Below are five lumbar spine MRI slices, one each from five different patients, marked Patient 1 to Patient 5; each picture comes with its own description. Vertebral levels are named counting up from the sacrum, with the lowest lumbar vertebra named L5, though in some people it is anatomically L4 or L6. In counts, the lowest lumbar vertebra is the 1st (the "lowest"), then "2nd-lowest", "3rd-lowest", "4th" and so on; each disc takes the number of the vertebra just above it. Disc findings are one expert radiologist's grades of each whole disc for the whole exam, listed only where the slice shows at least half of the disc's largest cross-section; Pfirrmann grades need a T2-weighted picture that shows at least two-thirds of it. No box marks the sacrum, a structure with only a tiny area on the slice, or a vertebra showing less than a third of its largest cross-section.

Patient 1 of 5:
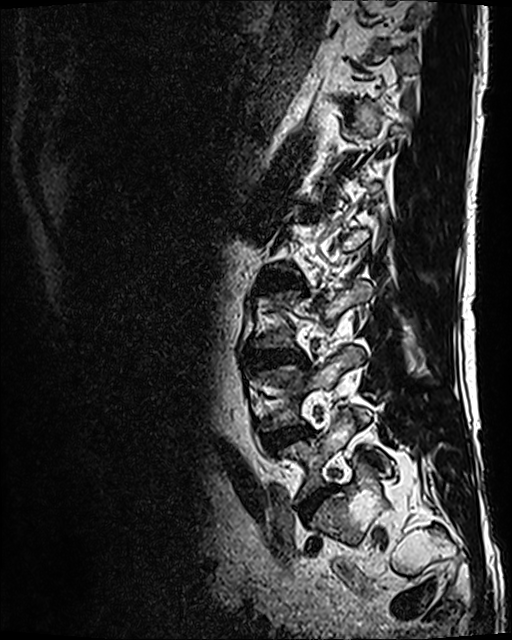
Sagittal T2 SPACE (3D) lumbar spine MRI; Patient sex: M; Sagittal slice index 34
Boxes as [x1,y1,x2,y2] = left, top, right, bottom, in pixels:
L4/L5 = [263,424,313,451].
Intervertebral disc L5/S1 = [300,486,334,519].
L3/L4 = [247,348,304,369].
L5 = [279,409,383,503].
Intervertebral disc L2/L3 = [262,272,301,288].
Intervertebral disc L1/L2 = [301,205,314,212].
L4 vertebra = [259,346,362,431].

Radiological gradings:
• L3/L4: disc narrowing, disc bulging, Modic type II
• L4/L5: Modic type II, disc bulging

Patient 2 of 5:
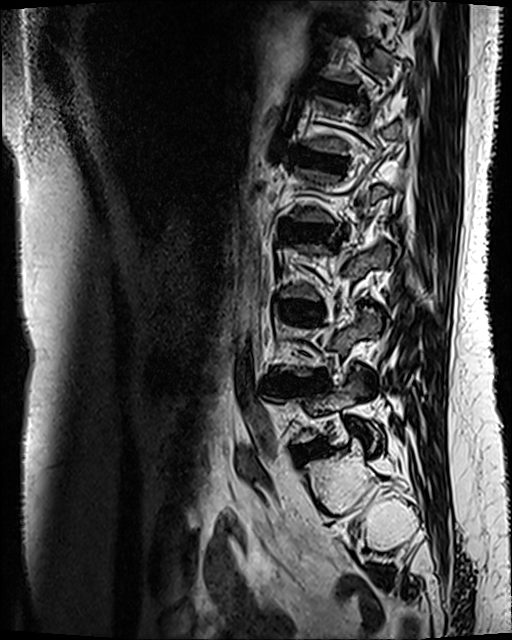

Slice 91 of 120 | MRI lumbar spine (T2 SPACE (3D)), sagittal plane | Sex F
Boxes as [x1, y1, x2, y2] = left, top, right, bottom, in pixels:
{"3rd-lowest disc": "[281, 301, 320, 316]", "6th disc": "[322, 85, 351, 98]", "2nd-lowest disc": "[264, 376, 320, 391]", "5th disc": "[294, 149, 343, 171]", "lowest disc": "[295, 440, 325, 457]", "4th disc": "[285, 224, 338, 243]"}

Expert MSK radiologist gradings (per disc):
• 4th disc: Pfirrmann grade 3, Modic type II, disc bulging
• 5th disc: Modic type II
• 3rd-lowest disc: Modic type II, disc bulging

Patient 3 of 5:
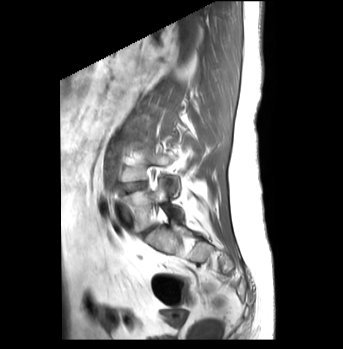

Slice spacing 3.2 mm. MRI lumbar spine (T1-weighted), sagittal plane. Slice 31/43. Sex F.

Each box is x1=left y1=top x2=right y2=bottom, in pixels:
L5 (lowest vertebra): x1=120 y1=180 x2=184 y2=230 | L5/S1 (lowest disc): x1=141 y1=225 x2=154 y2=235 | L4/L5 (2nd-lowest disc): x1=118 y1=181 x2=146 y2=192

Per-level radiological findings:
  L4/L5 (2nd-lowest disc): disc narrowing, lower-endplate change, Modic type II, disc bulging

Patient 4 of 5:
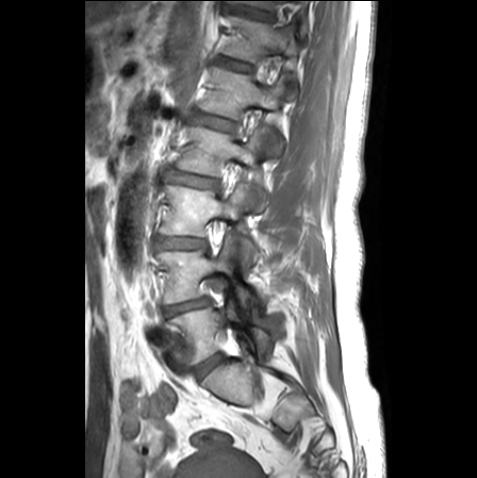 Slice spacing 3.3 mm, Lumbar spine MR, T1-weighted, sagittal, Slice 18 of 25
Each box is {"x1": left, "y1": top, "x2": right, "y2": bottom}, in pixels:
• L5/S1 (lowest disc) — {"x1": 195, "y1": 355, "x2": 221, "y2": 379}
• L5 (lowest vertebra) — {"x1": 171, "y1": 300, "x2": 270, "y2": 362}
• L4 (2nd-lowest vertebra) — {"x1": 158, "y1": 236, "x2": 258, "y2": 307}
• L1 (5th vertebra) — {"x1": 200, "y1": 67, "x2": 283, "y2": 151}
• L2 (4th vertebra) — {"x1": 177, "y1": 126, "x2": 265, "y2": 208}
• disc T12/L1 (6th disc) — {"x1": 219, "y1": 58, "x2": 251, "y2": 72}
• L1/L2 (5th disc) — {"x1": 196, "y1": 113, "x2": 234, "y2": 131}
• L2/L3 (4th disc) — {"x1": 166, "y1": 170, "x2": 218, "y2": 188}
• T12 (6th vertebra) — {"x1": 224, "y1": 15, "x2": 297, "y2": 92}
• L3/L4 (3rd-lowest disc) — {"x1": 158, "y1": 238, "x2": 206, "y2": 249}
• L4/L5 (2nd-lowest disc) — {"x1": 163, "y1": 298, "x2": 210, "y2": 316}
• L3 (3rd-lowest vertebra) — {"x1": 161, "y1": 184, "x2": 260, "y2": 259}
• T11/T12 (7th disc) — {"x1": 228, "y1": 7, "x2": 274, "y2": 21}

Radiological gradings:
  L1/L2 (5th disc): lower-endplate change, upper-endplate change
  T11/T12 (7th disc): lower-endplate change, disc narrowing, upper-endplate change
  L2/L3 (4th disc): lower-endplate change, disc bulging, upper-endplate change
  L4/L5 (2nd-lowest disc): disc bulging, lower-endplate change, disc narrowing, upper-endplate change
  T12/L1 (6th disc): lower-endplate change, upper-endplate change
  L3/L4 (3rd-lowest disc): disc narrowing, disc bulging

Patient 5 of 5:
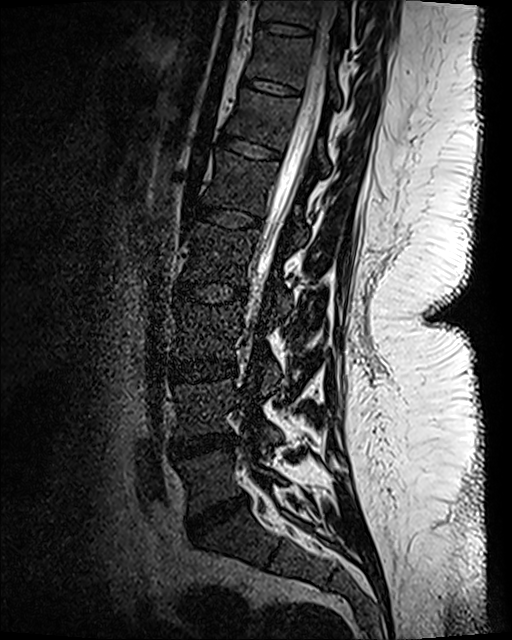

Image 512x640; Slice 67 of 120; T2 SPACE (3D) sagittal MRI of the lumbar spine

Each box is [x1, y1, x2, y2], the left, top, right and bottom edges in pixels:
Segmented structures:
- T11: [246, 32, 340, 105]
- L1: [204, 151, 308, 248]
- thecal sac / spinal canal: [252, 0, 337, 326]
- T10 vertebra: [259, 0, 348, 35]
- L2 vertebra: [183, 221, 291, 322]
- L5: [180, 450, 283, 514]
- T12 vertebra: [227, 89, 329, 172]
- T12/L1: [217, 130, 282, 159]
- T11/T12: [241, 78, 301, 96]
- T10/T11: [258, 22, 310, 37]
- L3 vertebra: [175, 303, 280, 393]
- IVD L3/L4: [170, 358, 235, 383]
- IVD L5/S1: [186, 495, 247, 537]
- L4 vertebra: [176, 380, 281, 453]
- IVD L2/L3: [175, 280, 246, 303]
- IVD L4/L5: [173, 434, 232, 460]
- IVD L1/L2: [186, 202, 263, 229]

Radiological gradings:
• L2/L3: Pfirrmann grade 1
• T10/T11: Pfirrmann grade 1
• L5/S1: Pfirrmann grade 4, disc narrowing, disc bulging
• L3/L4: Pfirrmann grade 1
• T11/T12: Pfirrmann grade 1
• L4/L5: disc narrowing, disc bulging
• L1/L2: Pfirrmann grade 1
• T12/L1: Pfirrmann grade 1